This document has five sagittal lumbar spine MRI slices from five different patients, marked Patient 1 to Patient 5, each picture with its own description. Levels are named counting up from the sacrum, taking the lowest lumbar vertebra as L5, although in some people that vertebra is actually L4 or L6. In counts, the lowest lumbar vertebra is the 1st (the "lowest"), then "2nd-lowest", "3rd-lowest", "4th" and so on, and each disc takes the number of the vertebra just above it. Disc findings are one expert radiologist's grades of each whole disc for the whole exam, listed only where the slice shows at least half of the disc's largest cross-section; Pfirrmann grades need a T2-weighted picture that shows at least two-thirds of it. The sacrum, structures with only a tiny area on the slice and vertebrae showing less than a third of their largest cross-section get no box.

Patient 1 of 5:
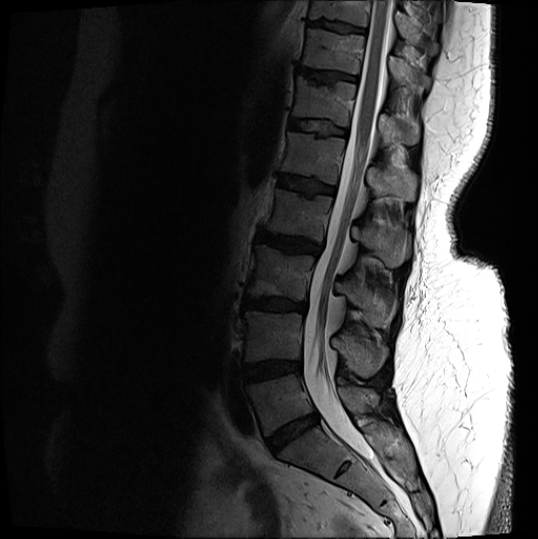
MRI lumbar spine (T2-weighted), sagittal plane; Sex F

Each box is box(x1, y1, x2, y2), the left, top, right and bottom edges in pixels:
L1 vertebra: box(282, 132, 417, 201).
L1/L2: box(279, 175, 335, 195).
T11/T12: box(298, 67, 357, 83).
T10 vertebra: box(309, 1, 439, 55).
T10/T11: box(308, 20, 364, 33).
Intervertebral disc L3/L4: box(244, 298, 306, 311).
L4 vertebra: box(244, 311, 386, 378).
T12 vertebra: box(292, 77, 421, 145).
L5 vertebra: box(246, 374, 380, 435).
L2 vertebra: box(265, 189, 410, 267).
T12/L1: box(289, 119, 346, 136).
Intervertebral disc L5/S1: box(266, 414, 318, 452).
L3: box(247, 245, 397, 327).
T11: box(303, 29, 430, 93).
Thecal sac / spinal canal: box(303, 1, 393, 459).
L2/L3: box(257, 231, 321, 254).
L4/L5: box(243, 360, 301, 380).

Expert MSK radiologist gradings (per disc):
  T12/L1: Pfirrmann grade 3, lower-endplate change, upper-endplate change
  T11/T12: Pfirrmann grade 4, upper-endplate change
  T10/T11: Pfirrmann grade 4, lower-endplate change, upper-endplate change
  L5/S1: Pfirrmann grade 4, disc bulging, disc narrowing
  L1/L2: Pfirrmann grade 4, upper-endplate change, lower-endplate change, Modic type II
  L4/L5: Pfirrmann grade 4, Modic type II, disc bulging, lower-endplate change
  L2/L3: Pfirrmann grade 4, lower-endplate change, upper-endplate change, disc bulging
  L3/L4: Pfirrmann grade 4, Modic type II, lower-endplate change, disc narrowing, disc bulging, upper-endplate change

Patient 2 of 5:
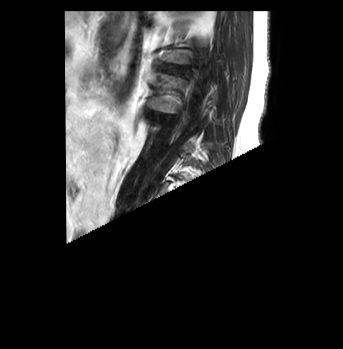 Sagittal T2-weighted lumbar spine MRI; Image 343x349; Slice spacing 3.2 mm; Sagittal slice index 8
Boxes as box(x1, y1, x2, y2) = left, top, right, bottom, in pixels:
Intervertebral disc L1/L2 (5th disc): box(158, 63, 183, 74).
L2 (4th vertebra): box(145, 73, 185, 113).

Patient 3 of 5:
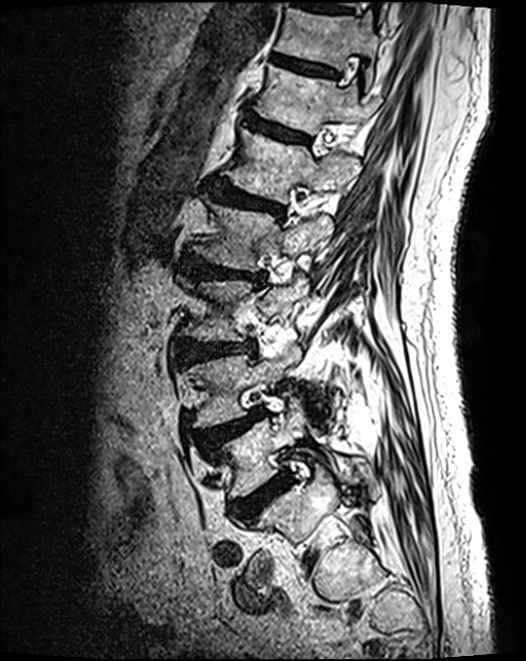 Sex M; Lumbar spine MR, T2 SPACE (3D), sagittal; Image 526x661

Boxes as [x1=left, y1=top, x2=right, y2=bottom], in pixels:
6th vertebra at [x1=257, y1=67, x2=369, y2=135], 2nd-lowest vertebra at [x1=187, y1=339, x2=298, y2=427], 5th vertebra at [x1=224, y1=130, x2=356, y2=202], 6th disc at [x1=245, y1=118, x2=307, y2=142], 7th disc at [x1=272, y1=54, x2=336, y2=77], 2nd-lowest disc at [x1=199, y1=410, x2=265, y2=450], 4th disc at [x1=183, y1=256, x2=265, y2=286], 3rd-lowest disc at [x1=178, y1=343, x2=254, y2=362], 5th disc at [x1=209, y1=182, x2=284, y2=218], lowest disc at [x1=231, y1=476, x2=290, y2=522], 4th vertebra at [x1=192, y1=205, x2=333, y2=272], 7th vertebra at [x1=276, y1=7, x2=379, y2=67], lowest vertebra at [x1=214, y1=400, x2=358, y2=498], 3rd-lowest vertebra at [x1=182, y1=273, x2=307, y2=342].

Radiological gradings:
- 5th disc: Pfirrmann grade 4, disc bulging, lower-endplate change, upper-endplate change
- 4th disc: Pfirrmann grade 4, disc bulging, upper-endplate change, lower-endplate change, disc narrowing
- 3rd-lowest disc: disc bulging
- 6th disc: Pfirrmann grade 3
- lowest disc: Pfirrmann grade 4
- 7th disc: Pfirrmann grade 3, lower-endplate change

Patient 4 of 5:
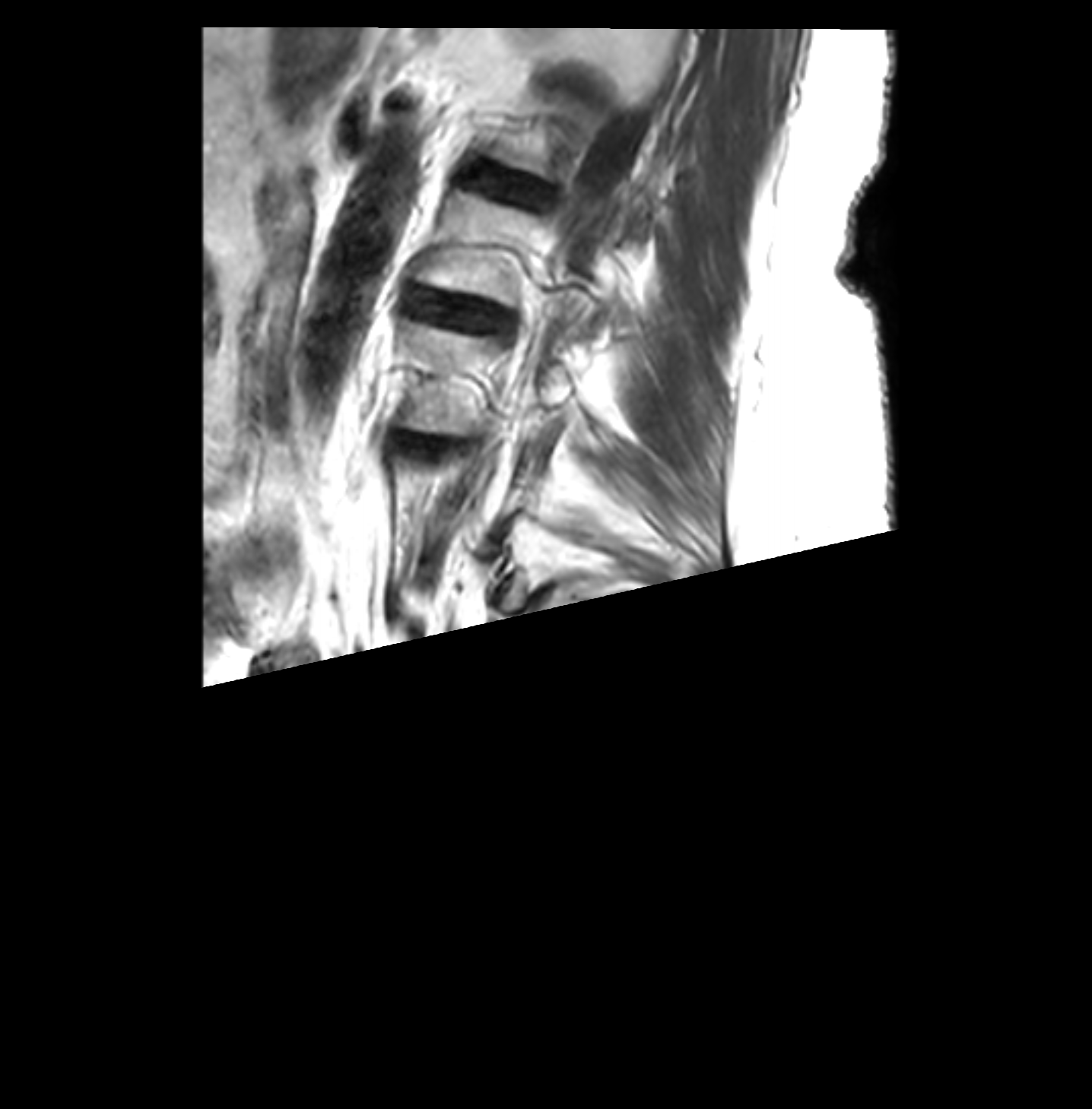
T2-weighted sagittal MRI of the lumbar spine.
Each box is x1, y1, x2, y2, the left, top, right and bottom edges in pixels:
IVD L1/L2 (5th disc) at 478, 170, 528, 197; IVD L2/L3 (4th disc) at 409, 290, 497, 328; L2 (4th vertebra) at 417, 191, 534, 304; L3 (3rd-lowest vertebra) at 403, 319, 571, 434.

Per-level radiological findings:
  L2/L3 (4th disc): Pfirrmann grade 3, Modic type II, disc bulging

Patient 5 of 5:
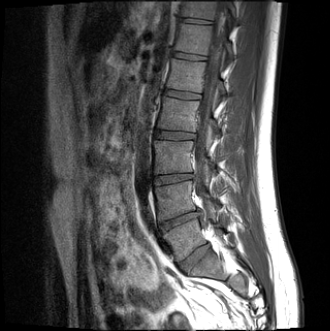
Sex M. MRI lumbar spine (T1-weighted), sagittal plane. Field of view 300x301 mm, slice spacing 4.2 mm.
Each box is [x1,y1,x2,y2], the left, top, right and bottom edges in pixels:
{"disc L3/L4": "[154,174,192,184]", "L4/L5": "[160,209,201,230]", "L5/S1": "[180,244,209,271]", "T12": "[174,24,233,60]", "disc L1/L2": "[163,89,199,98]", "L2": "[157,97,220,131]", "L3": "[154,140,216,173]", "disc T12/L1": "[173,52,204,59]", "T11/T12": "[181,18,211,23]", "L4 vertebra": "[155,181,215,220]", "L5 vertebra": "[163,219,224,261]", "T11": "[181,1,237,24]", "spinal canal": "[194,1,227,202]", "disc L2/L3": "[155,130,194,139]", "L1 vertebra": "[166,58,225,94]"}

Expert MSK radiologist gradings (per disc):
• L5/S1: disc bulging
• L4/L5: disc narrowing, Modic type II, lower-endplate change, upper-endplate change, disc herniation
• T11/T12, L2/L3, T12/L1, L3/L4, L1/L2: no Modic or endplate change, herniation, narrowing, bulging or spondylolisthesis recorded